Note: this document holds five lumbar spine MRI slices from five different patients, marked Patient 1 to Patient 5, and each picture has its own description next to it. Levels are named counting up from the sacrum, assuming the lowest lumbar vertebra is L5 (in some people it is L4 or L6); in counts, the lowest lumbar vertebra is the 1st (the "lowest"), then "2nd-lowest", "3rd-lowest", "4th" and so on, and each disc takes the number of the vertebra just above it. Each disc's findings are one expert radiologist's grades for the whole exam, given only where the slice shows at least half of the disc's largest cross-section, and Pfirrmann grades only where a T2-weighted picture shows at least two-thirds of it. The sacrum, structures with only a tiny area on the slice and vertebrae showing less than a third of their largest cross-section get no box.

Patient 1 of 5:
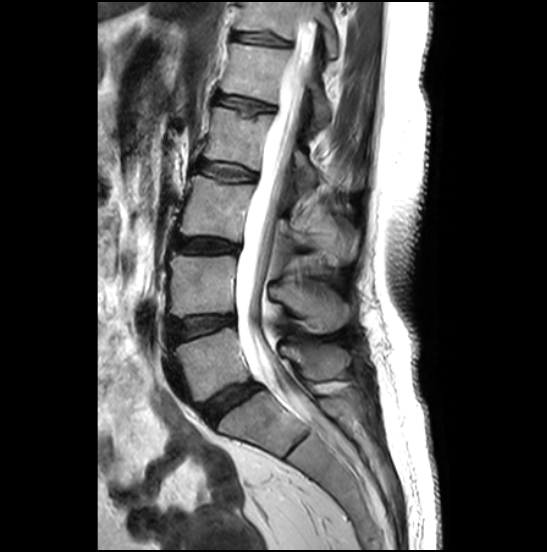

Patient sex: F | 547x552 px | Lumbar spine MR, T2-weighted, sagittal
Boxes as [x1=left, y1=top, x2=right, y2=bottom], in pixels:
- 3rd-lowest disc: [x1=173, y1=238, x2=237, y2=252]
- lowest disc: [x1=198, y1=382, x2=259, y2=424]
- 2nd-lowest vertebra: [x1=170, y1=253, x2=350, y2=332]
- 4th disc: [x1=195, y1=162, x2=256, y2=182]
- 6th disc: [x1=235, y1=33, x2=286, y2=45]
- 5th vertebra: [x1=221, y1=43, x2=330, y2=129]
- 3rd-lowest vertebra: [x1=178, y1=175, x2=353, y2=264]
- 4th vertebra: [x1=204, y1=107, x2=343, y2=191]
- 5th disc: [x1=217, y1=94, x2=273, y2=114]
- 2nd-lowest disc: [x1=169, y1=315, x2=234, y2=341]
- spinal canal: [x1=236, y1=17, x2=315, y2=419]
- 6th vertebra: [x1=237, y1=2, x2=337, y2=58]
- lowest vertebra: [x1=172, y1=327, x2=351, y2=401]

Expert MSK radiologist gradings (per disc):
- 6th disc: Pfirrmann grade 2, lower-endplate change, upper-endplate change
- 5th disc: Pfirrmann grade 2, upper-endplate change
- lowest disc: Pfirrmann grade 4, disc bulging
- 2nd-lowest disc: Pfirrmann grade 3, disc bulging
- 3rd-lowest disc: Pfirrmann grade 4, disc bulging
- 4th disc: Pfirrmann grade 2

Patient 2 of 5:
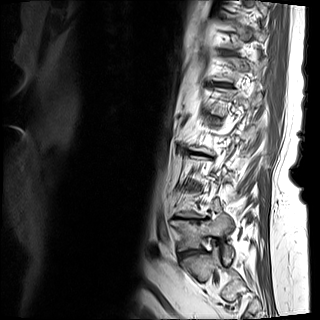

Sagittal T1-weighted lumbar spine MRI, Slice 3 of 15

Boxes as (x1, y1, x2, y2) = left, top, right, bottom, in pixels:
{"L5": "(171, 214, 233, 263)", "disc T12/L1": "(214, 83, 231, 86)", "L5/S1": "(182, 249, 203, 256)"}

Expert MSK radiologist gradings (per disc):
- T12/L1: disc bulging, lower-endplate change, Modic type II, upper-endplate change, disc narrowing

Patient 3 of 5:
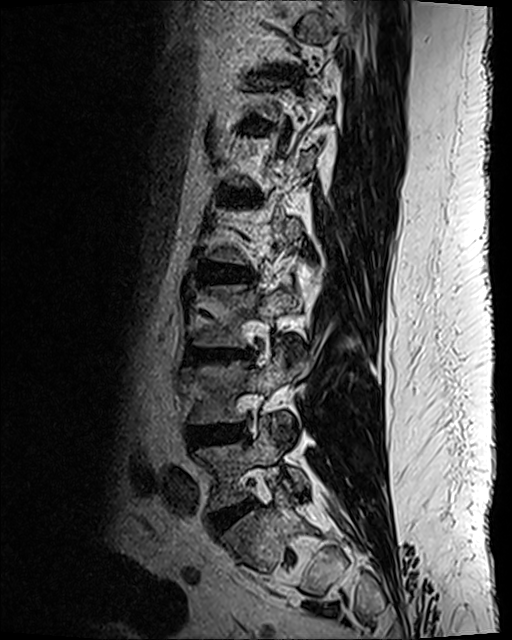 MRI lumbar spine (T2 SPACE (3D)), sagittal plane.
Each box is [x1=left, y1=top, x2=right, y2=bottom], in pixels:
- T11/T12 (7th disc): [x1=278, y1=70, x2=299, y2=77]
- L4 (2nd-lowest vertebra): [x1=193, y1=351, x2=294, y2=424]
- L5/S1 (lowest disc): [x1=212, y1=502, x2=252, y2=529]
- IVD L3/L4 (3rd-lowest disc): [x1=188, y1=352, x2=250, y2=364]
- L5 (lowest vertebra): [x1=198, y1=418, x2=306, y2=508]
- L4/L5 (2nd-lowest disc): [x1=190, y1=426, x2=244, y2=446]
- IVD L2/L3 (4th disc): [x1=216, y1=271, x2=251, y2=281]

Degenerative findings by level:
- L4/L5 (2nd-lowest disc): disc narrowing, disc bulging

Patient 4 of 5:
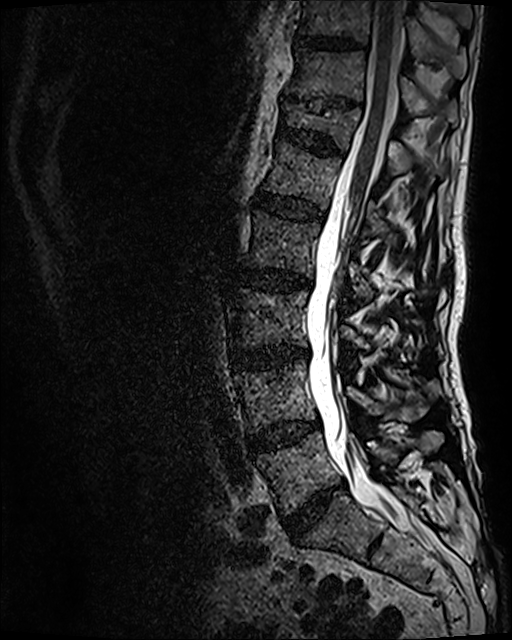

512x640 px. Sex M. Lumbar spine MR, T2 SPACE (3D), sagittal. Slice 65/120.
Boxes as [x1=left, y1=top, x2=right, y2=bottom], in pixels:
L2 — [x1=245, y1=210, x2=426, y2=298].
Intervertebral disc T11/T12 — [x1=308, y1=99, x2=351, y2=112].
L5 — [x1=257, y1=431, x2=442, y2=513].
L4 vertebra — [x1=235, y1=359, x2=438, y2=433].
L1 vertebra — [x1=263, y1=139, x2=387, y2=235].
L2/L3 — [x1=235, y1=269, x2=312, y2=291].
T11 vertebra — [x1=286, y1=49, x2=458, y2=124].
Intervertebral disc L4/L5 — [x1=248, y1=422, x2=319, y2=454].
Intervertebral disc L1/L2 — [x1=255, y1=192, x2=323, y2=219].
T10 — [x1=301, y1=0, x2=466, y2=77].
Intervertebral disc T10/T11 — [x1=295, y1=36, x2=359, y2=48].
L3 — [x1=230, y1=289, x2=370, y2=349].
L5/S1 — [x1=283, y1=485, x2=339, y2=541].
Thecal sac / spinal canal — [x1=305, y1=0, x2=435, y2=550].
Intervertebral disc L3/L4 — [x1=231, y1=346, x2=308, y2=368].
T12 vertebra — [x1=281, y1=104, x2=445, y2=175].
Intervertebral disc T12/L1 — [x1=278, y1=94, x2=342, y2=154].

Radiological gradings:
- L2/L3: Pfirrmann grade 3, Modic type II, disc bulging
- T11/T12: Pfirrmann grade 5, lower-endplate change, disc narrowing, upper-endplate change
- L4/L5: Pfirrmann grade 3, Modic type II, disc bulging
- L5/S1: Pfirrmann grade 4, disc narrowing, disc bulging
- L3/L4: Pfirrmann grade 4, disc bulging, Modic type II, disc narrowing
- T12/L1: Pfirrmann grade 3, lower-endplate change, upper-endplate change
- L1/L2: Pfirrmann grade 3
- T10/T11: Pfirrmann grade 3

Patient 5 of 5:
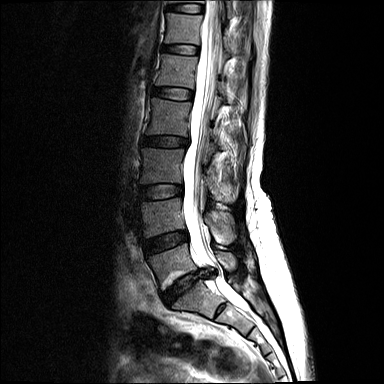

Slice 7 of 14 | T2-weighted sagittal MRI of the lumbar spine | 384x384 px | Slice spacing 5.2 mm
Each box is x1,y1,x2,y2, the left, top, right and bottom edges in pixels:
disc L3/L4 (3rd-lowest disc): 140,183,182,199
L5 (lowest vertebra): 148,244,236,289
L4 (2nd-lowest vertebra): 140,198,235,244
disc L5/S1 (lowest disc): 162,267,217,303
T12 (6th vertebra): 165,13,248,57
L3 (3rd-lowest vertebra): 140,148,237,201
disc L1/L2 (5th disc): 152,88,192,99
L2 (4th vertebra): 146,98,222,148
L1 (5th vertebra): 155,54,230,102
L2/L3 (4th disc): 142,136,187,146
spinal canal: 182,0,245,309
T12/L1 (6th disc): 162,45,198,53
L4/L5 (2nd-lowest disc): 144,231,186,254

Per-level radiological findings:
- L4/L5 (2nd-lowest disc): Pfirrmann grade 3
- L3/L4 (3rd-lowest disc): Pfirrmann grade 2
- L5/S1 (lowest disc): Pfirrmann grade 4, disc narrowing, lower-endplate change, disc herniation
- T12/L1 (6th disc): Pfirrmann grade 2
- L2/L3 (4th disc): Pfirrmann grade 3, disc bulging
- L1/L2 (5th disc): Pfirrmann grade 2